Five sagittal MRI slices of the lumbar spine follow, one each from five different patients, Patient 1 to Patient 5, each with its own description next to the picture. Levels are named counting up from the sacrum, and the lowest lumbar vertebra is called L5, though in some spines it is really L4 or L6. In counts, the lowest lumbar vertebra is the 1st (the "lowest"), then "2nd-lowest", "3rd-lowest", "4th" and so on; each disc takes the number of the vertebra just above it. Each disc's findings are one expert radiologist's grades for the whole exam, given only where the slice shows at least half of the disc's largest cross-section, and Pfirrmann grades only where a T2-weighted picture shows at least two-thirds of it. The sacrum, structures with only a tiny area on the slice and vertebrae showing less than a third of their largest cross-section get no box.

Patient 1 of 5:
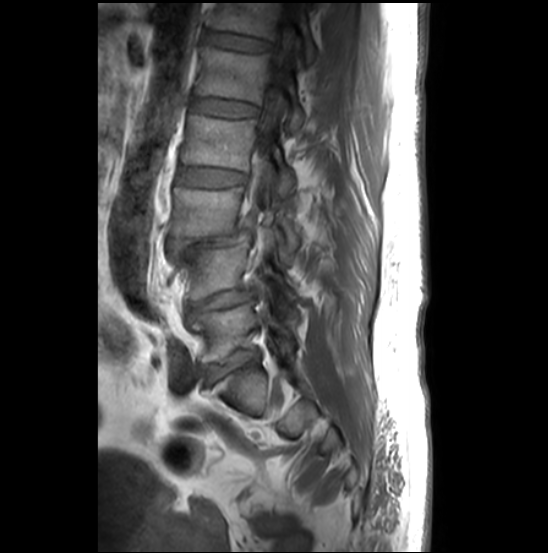 MRI lumbar spine (T1-weighted), sagittal plane, Sex M
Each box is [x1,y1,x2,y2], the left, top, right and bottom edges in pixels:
L2 (4th vertebra): [181,115,296,193].
L4 (2nd-lowest vertebra): [173,243,299,300].
L5 (lowest vertebra): [190,304,293,362].
L3/L4 (3rd-lowest disc): [168,230,252,254].
L3 (3rd-lowest vertebra): [170,187,303,258].
Disc L5/S1 (lowest disc): [206,351,257,383].
T12/L1 (6th disc): [207,31,272,51].
T12 (6th vertebra): [211,3,315,62].
L2/L3 (4th disc): [179,168,247,187].
Disc L4/L5 (2nd-lowest disc): [189,289,257,310].
L1 (5th vertebra): [198,47,305,130].
Disc L1/L2 (5th disc): [195,99,259,118].
Thecal sac / spinal canal: [252,17,294,229].

Radiological gradings:
- L3/L4 (3rd-lowest disc): lower-endplate change, spondylolisthesis, disc herniation, disc narrowing, upper-endplate change, Modic type II
- L5/S1 (lowest disc): lower-endplate change, disc narrowing, upper-endplate change, disc bulging, Modic type II
- L4/L5 (2nd-lowest disc): lower-endplate change, Modic type II, disc narrowing, upper-endplate change, disc bulging
- T12/L1 (6th disc), L1/L2 (5th disc), L2/L3 (4th disc): no herniation, bulging, narrowing, spondylolisthesis, endplate or Modic change recorded

Patient 2 of 5:
Slice 19/28 | MRI lumbar spine (T2-weighted), sagittal plane
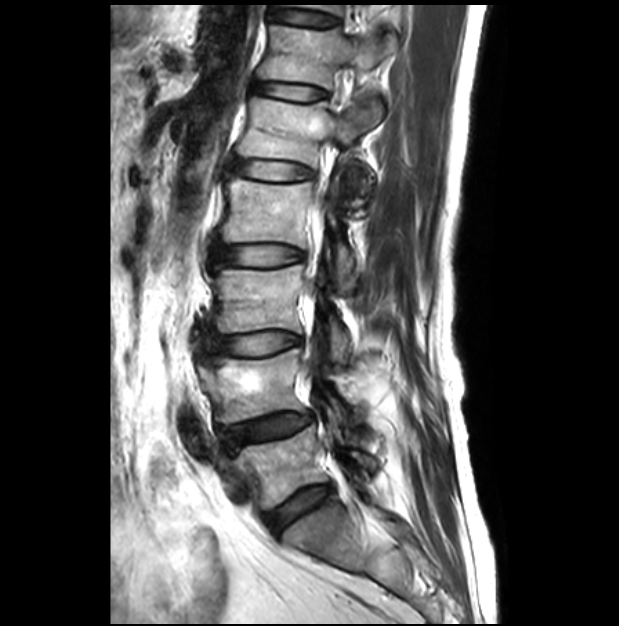
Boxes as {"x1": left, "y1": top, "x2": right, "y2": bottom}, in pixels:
Segmented structures:
- L2/L3 (4th disc): {"x1": 209, "y1": 240, "x2": 303, "y2": 269}
- L1 (5th vertebra): {"x1": 236, "y1": 95, "x2": 384, "y2": 206}
- L3 (3rd-lowest vertebra): {"x1": 211, "y1": 265, "x2": 350, "y2": 363}
- L5 (lowest vertebra): {"x1": 236, "y1": 409, "x2": 376, "y2": 508}
- IVD L5/S1 (lowest disc): {"x1": 264, "y1": 483, "x2": 332, "y2": 532}
- T12 (6th vertebra): {"x1": 257, "y1": 25, "x2": 397, "y2": 88}
- T12/L1 (6th disc): {"x1": 253, "y1": 82, "x2": 326, "y2": 101}
- IVD L4/L5 (2nd-lowest disc): {"x1": 222, "y1": 412, "x2": 312, "y2": 449}
- L2 (4th vertebra): {"x1": 220, "y1": 178, "x2": 354, "y2": 291}
- L4 (2nd-lowest vertebra): {"x1": 200, "y1": 334, "x2": 346, "y2": 425}
- L1/L2 (5th disc): {"x1": 225, "y1": 156, "x2": 312, "y2": 181}
- T11/T12 (7th disc): {"x1": 273, "y1": 10, "x2": 339, "y2": 25}
- IVD L3/L4 (3rd-lowest disc): {"x1": 207, "y1": 331, "x2": 300, "y2": 357}

Expert MSK radiologist gradings (per disc):
  L2/L3 (4th disc): Pfirrmann grade 1
  T11/T12 (7th disc): Pfirrmann grade 1
  T12/L1 (6th disc): Pfirrmann grade 1
  L3/L4 (3rd-lowest disc): Pfirrmann grade 1
  L4/L5 (2nd-lowest disc): Pfirrmann grade 3, disc narrowing, disc bulging, lower-endplate change, spondylolisthesis, upper-endplate change
  L5/S1 (lowest disc), L1/L2 (5th disc): no herniation, bulging, narrowing, spondylolisthesis, endplate or Modic change recorded

Patient 3 of 5:
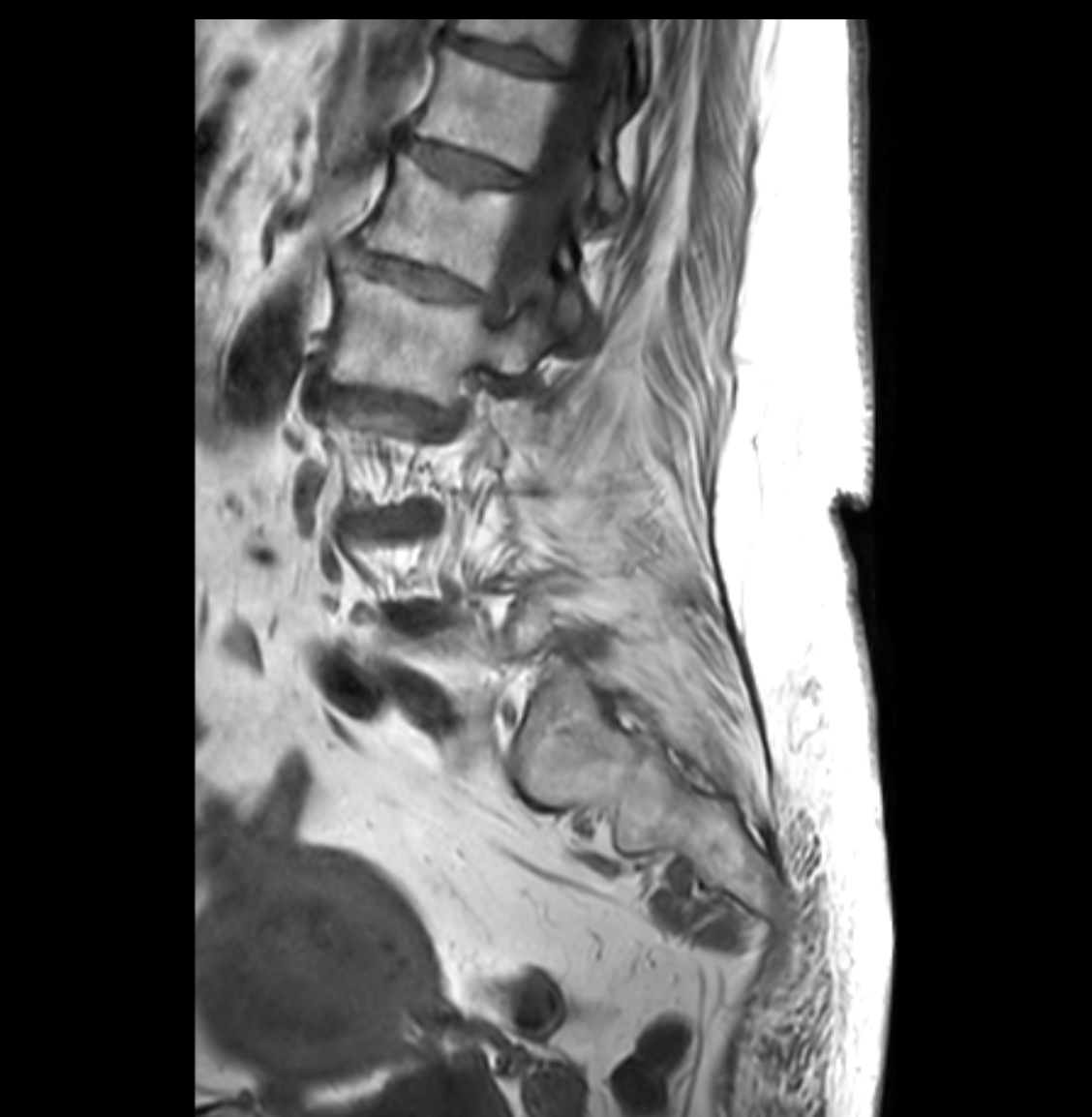
Field of view 280x286 mm, slice spacing 3.3 mm; Sagittal T1-weighted lumbar spine MRI

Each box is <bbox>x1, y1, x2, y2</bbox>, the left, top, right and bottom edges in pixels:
IVD L2/L3 (4th disc) at <bbox>317, 387, 391, 407</bbox>, IVD T12/L1 (6th disc) at <bbox>408, 138, 521, 187</bbox>, thecal sac / spinal canal at <bbox>502, 20, 621, 307</bbox>, IVD T11/T12 (7th disc) at <bbox>453, 38, 560, 75</bbox>, L1 (5th vertebra) at <bbox>361, 155, 579, 327</bbox>, IVD L3/L4 (3rd-lowest disc) at <bbox>378, 516, 409, 525</bbox>, L2 (4th vertebra) at <bbox>324, 272, 550, 398</bbox>, IVD L1/L2 (5th disc) at <bbox>351, 252, 479, 297</bbox>, T11 (7th vertebra) at <bbox>456, 19, 648, 81</bbox>, IVD L4/L5 (2nd-lowest disc) at <bbox>403, 607, 438, 625</bbox>, T12 (6th vertebra) at <bbox>414, 46, 621, 215</bbox>.

Degenerative findings by level:
• T12/L1 (6th disc): disc bulging, disc narrowing
• T11/T12 (7th disc): disc narrowing
• L1/L2 (5th disc): disc narrowing, upper-endplate change, disc bulging, lower-endplate change

Patient 4 of 5:
Sex F. MRI lumbar spine (T2-weighted), sagittal plane. Slice spacing 3.3 mm. Sagittal slice index 14. 448x448 px.
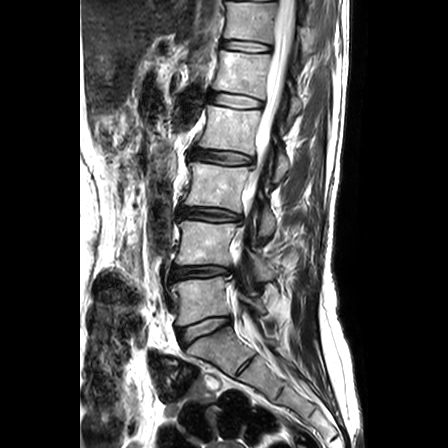 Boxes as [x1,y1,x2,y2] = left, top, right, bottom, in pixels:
Segmented structures:
* spinal canal — [238,0,295,247]
* L2 — [198,105,289,182]
* T12/L1 — [222,40,269,51]
* disc L3/L4 — [179,207,239,221]
* L4 vertebra — [176,221,274,281]
* L3 vertebra — [184,162,275,241]
* L2/L3 — [190,149,251,164]
* disc L4/L5 — [172,266,236,279]
* disc L5/S1 — [178,316,230,345]
* L1 — [213,50,302,128]
* L1/L2 — [209,92,261,107]
* L5 — [172,276,265,325]
* T12 — [223,2,310,64]

Radiological gradings:
- T12/L1: Pfirrmann grade 2, Modic type II
- L5/S1: Pfirrmann grade 2
- L2/L3: Pfirrmann grade 3, lower-endplate change, upper-endplate change, Modic type II, disc bulging
- L1/L2: Pfirrmann grade 2, lower-endplate change, upper-endplate change, Modic type II
- L4/L5: Pfirrmann grade 3, upper-endplate change, disc herniation, lower-endplate change, disc narrowing
- L3/L4: Pfirrmann grade 3, lower-endplate change, disc bulging, upper-endplate change

Patient 5 of 5:
618x793 px, T2 SPACE (3D) sagittal MRI of the lumbar spine

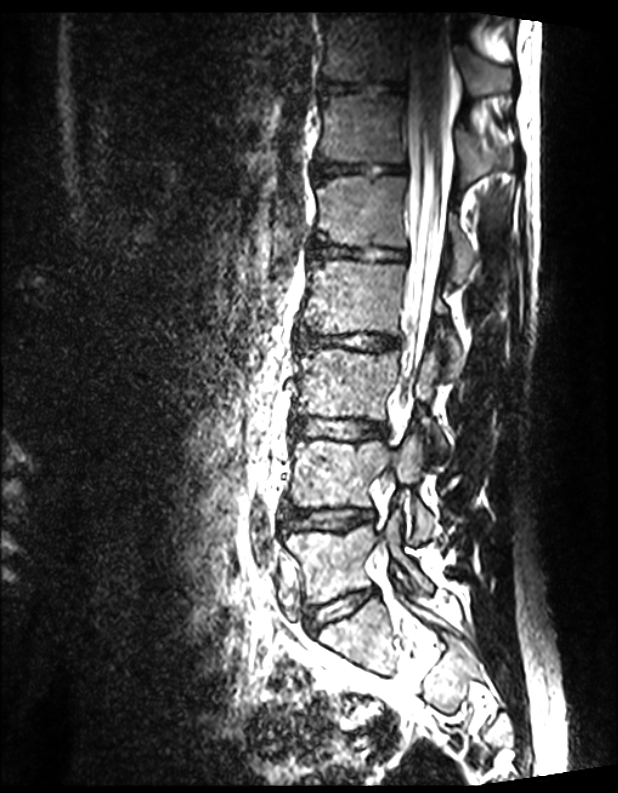
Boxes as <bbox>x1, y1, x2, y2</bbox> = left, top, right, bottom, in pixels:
L1 (5th vertebra) at <bbox>317, 176, 473, 280</bbox> | L5/S1 (lowest disc) at <bbox>307, 589, 373, 629</bbox> | T12 (6th vertebra) at <bbox>321, 94, 511, 184</bbox> | L3 (3rd-lowest vertebra) at <bbox>296, 349, 445, 455</bbox> | L4/L5 (2nd-lowest disc) at <bbox>283, 509, 373, 530</bbox> | T11/T12 (7th disc) at <bbox>321, 80, 405, 93</bbox> | IVD L1/L2 (5th disc) at <bbox>310, 241, 407, 261</bbox> | L5 (lowest vertebra) at <bbox>284, 510, 432, 603</bbox> | L2 (4th vertebra) at <bbox>304, 261, 464, 376</bbox> | thecal sac / spinal canal at <bbox>402, 20, 450, 407</bbox> | T11 (7th vertebra) at <bbox>321, 14, 512, 96</bbox> | IVD T12/L1 (6th disc) at <bbox>316, 162, 407, 176</bbox> | L4 (2nd-lowest vertebra) at <bbox>290, 437, 436, 542</bbox> | IVD L3/L4 (3rd-lowest disc) at <bbox>294, 417, 387, 440</bbox> | IVD L2/L3 (4th disc) at <bbox>296, 330, 400, 351</bbox>

Radiological gradings:
  L3/L4 (3rd-lowest disc): Pfirrmann grade 1
  L1/L2 (5th disc): Pfirrmann grade 1
  T12/L1 (6th disc): Pfirrmann grade 1
  L2/L3 (4th disc): Pfirrmann grade 1
  L4/L5 (2nd-lowest disc): Pfirrmann grade 1
  T11/T12 (7th disc): Pfirrmann grade 1